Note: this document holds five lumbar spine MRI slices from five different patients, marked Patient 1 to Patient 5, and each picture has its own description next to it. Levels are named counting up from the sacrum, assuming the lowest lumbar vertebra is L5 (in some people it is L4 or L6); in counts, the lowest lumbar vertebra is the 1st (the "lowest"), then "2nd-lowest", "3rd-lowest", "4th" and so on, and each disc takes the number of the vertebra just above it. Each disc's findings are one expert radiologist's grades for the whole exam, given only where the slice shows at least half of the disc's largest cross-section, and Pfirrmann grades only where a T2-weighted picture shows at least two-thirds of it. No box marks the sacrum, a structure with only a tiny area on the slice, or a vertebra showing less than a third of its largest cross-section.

Patient 1 of 5:
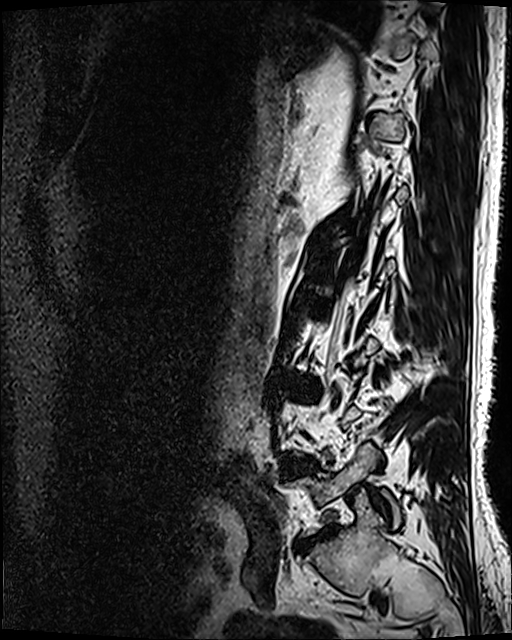

Patient sex: M | Sagittal slice index 93 | Lumbar spine MR, T2 SPACE (3D), sagittal

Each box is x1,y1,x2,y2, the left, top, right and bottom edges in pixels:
L5 (lowest vertebra) at 289,444,401,533; L4/L5 (2nd-lowest disc) at 286,462,313,473; L3/L4 (3rd-lowest disc) at 302,385,315,392; intervertebral disc L5/S1 (lowest disc) at 297,532,327,546.

Patient 2 of 5:
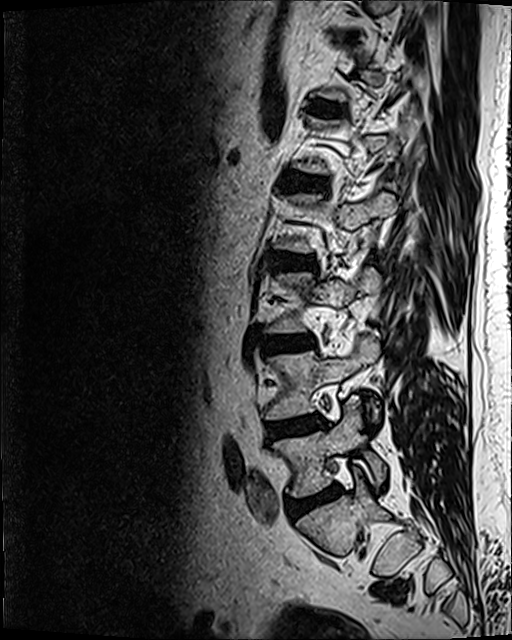

T2 SPACE (3D) sagittal MRI of the lumbar spine, 512x640 px, Patient sex: M

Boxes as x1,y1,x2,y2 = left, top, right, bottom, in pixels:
Annotations:
* L5/S1 at 289,486,342,518
* IVD L4/L5 at 268,414,323,439
* L2/L3 at 273,254,312,268
* L3/L4 at 260,337,312,352
* T12/L1 at 311,100,339,112
* IVD L1/L2 at 288,173,327,191
* L5 vertebra at 273,395,386,497
* L4 at 264,335,380,420

Expert MSK radiologist gradings (per disc):
• L4/L5: disc bulging, Modic type II

Patient 3 of 5:
MRI lumbar spine (T2-weighted), sagittal plane.
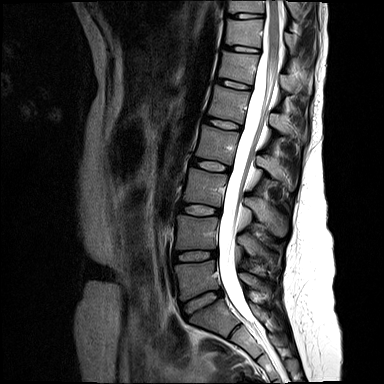

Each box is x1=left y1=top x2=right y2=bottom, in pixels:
Structures:
* T12/L1: x1=215 y1=78 x2=251 y2=89
* T11/T12: x1=224 y1=45 x2=258 y2=52
* disc L1/L2: x1=204 y1=117 x2=240 y2=129
* L2 vertebra: x1=196 y1=125 x2=299 y2=191
* L3/L4: x1=179 y1=202 x2=220 y2=215
* L1 vertebra: x1=208 y1=85 x2=307 y2=143
* L4: x1=176 y1=216 x2=277 y2=264
* T10: x1=228 y1=1 x2=296 y2=17
* L3 vertebra: x1=184 y1=168 x2=288 y2=235
* disc L4/L5: x1=174 y1=251 x2=217 y2=261
* T11: x1=225 y1=19 x2=298 y2=54
* disc L5/S1: x1=182 y1=291 x2=222 y2=317
* disc T10/T11: x1=229 y1=13 x2=262 y2=18
* L5: x1=174 y1=261 x2=275 y2=300
* spinal canal: x1=218 y1=1 x2=282 y2=323
* disc L2/L3: x1=192 y1=157 x2=228 y2=172
* T12 vertebra: x1=218 y1=52 x2=311 y2=93

Expert MSK radiologist gradings (per disc):
- L1/L2: Pfirrmann grade 1
- L5/S1: Pfirrmann grade 2
- T10/T11: Pfirrmann grade 1
- L2/L3: Pfirrmann grade 1
- T11/T12: Pfirrmann grade 1
- L4/L5: Pfirrmann grade 2
- T12/L1: Pfirrmann grade 1
- L3/L4: Pfirrmann grade 1

Patient 4 of 5:
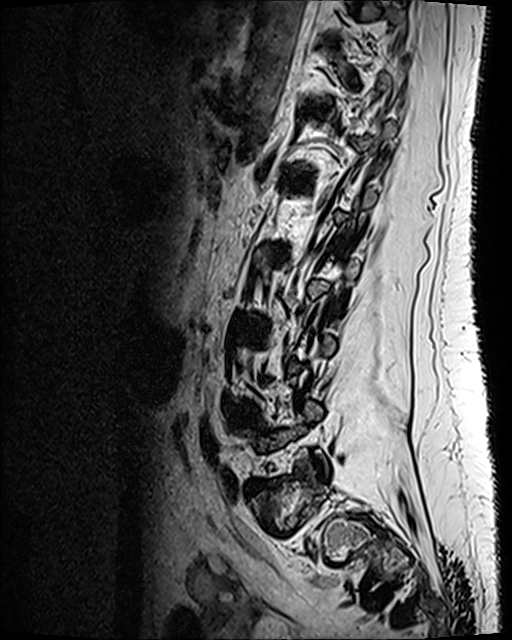
Patient sex: F; Sagittal slice index 35; Lumbar spine MR, T2 SPACE (3D), sagittal

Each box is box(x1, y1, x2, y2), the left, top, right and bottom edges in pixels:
Annotations:
- disc L3/L4 at box(248, 326, 261, 335)
- disc L1/L2 at box(285, 173, 306, 185)
- disc L4/L5 at box(227, 408, 256, 422)

Patient 5 of 5:
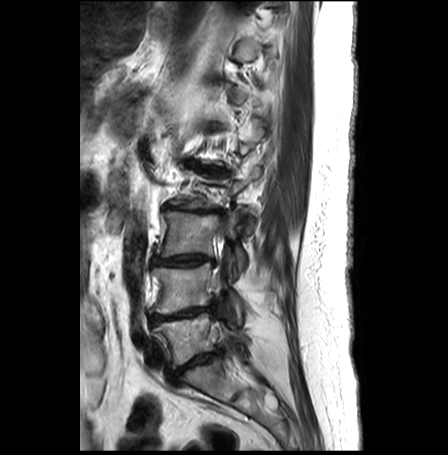

Slice 20 of 30. T2-weighted sagittal MRI of the lumbar spine. Patient sex: F. 448x455 px.
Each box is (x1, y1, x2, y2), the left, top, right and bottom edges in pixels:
Annotations:
- L4 (2nd-lowest vertebra): (149, 263, 244, 324)
- thecal sac / spinal canal: (214, 276, 220, 288)
- L5/S1 (lowest disc): (168, 349, 222, 384)
- IVD L2/L3 (4th disc): (162, 205, 223, 214)
- IVD L3/L4 (3rd-lowest disc): (152, 255, 214, 266)
- L5 (lowest vertebra): (151, 313, 249, 368)
- IVD L1/L2 (5th disc): (188, 161, 228, 175)
- IVD L4/L5 (2nd-lowest disc): (149, 305, 214, 325)
- L3 (3rd-lowest vertebra): (156, 210, 247, 270)

Radiological gradings:
- L5/S1 (lowest disc): Pfirrmann grade 4, disc bulging, disc narrowing, Modic type II, lower-endplate change, upper-endplate change
- L4/L5 (2nd-lowest disc): Pfirrmann grade 3, lower-endplate change, upper-endplate change, disc narrowing, Modic type II, disc herniation, disc bulging
- L3/L4 (3rd-lowest disc): Pfirrmann grade 5, lower-endplate change, upper-endplate change, disc bulging, Modic type II, disc narrowing
- L1/L2 (5th disc): disc narrowing, upper-endplate change, disc bulging, lower-endplate change, Modic type II